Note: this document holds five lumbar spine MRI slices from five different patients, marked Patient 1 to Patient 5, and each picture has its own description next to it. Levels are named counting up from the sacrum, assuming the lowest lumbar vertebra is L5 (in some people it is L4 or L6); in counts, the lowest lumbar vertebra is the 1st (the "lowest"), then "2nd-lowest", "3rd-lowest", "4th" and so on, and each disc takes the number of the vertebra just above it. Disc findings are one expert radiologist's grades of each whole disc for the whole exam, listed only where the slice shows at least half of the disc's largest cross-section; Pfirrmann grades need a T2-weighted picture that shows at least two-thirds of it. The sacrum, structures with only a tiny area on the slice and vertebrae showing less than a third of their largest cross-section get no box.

Patient 1 of 5:
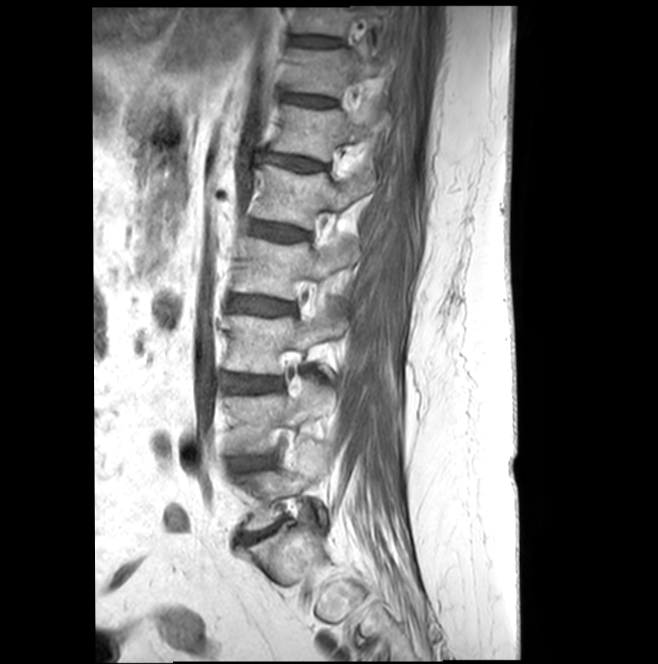 Sagittal T1-weighted lumbar spine MRI
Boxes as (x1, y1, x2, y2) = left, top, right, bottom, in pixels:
• intervertebral disc L2/L3: (229, 296, 292, 314)
• L4/L5: (232, 456, 272, 470)
• L4 vertebra: (224, 376, 333, 454)
• intervertebral disc T12/L1: (262, 152, 323, 171)
• L2 vertebra: (233, 236, 359, 299)
• intervertebral disc T11/T12: (286, 95, 331, 106)
• L3: (225, 300, 345, 374)
• T10: (292, 6, 383, 48)
• L5 vertebra: (235, 459, 325, 530)
• intervertebral disc T10/T11: (291, 37, 338, 47)
• L1 vertebra: (254, 165, 376, 229)
• T11 vertebra: (288, 49, 377, 96)
• intervertebral disc L3/L4: (224, 375, 279, 391)
• intervertebral disc L1/L2: (251, 221, 307, 240)
• T12 vertebra: (272, 106, 386, 161)

Per-level radiological findings:
  L3/L4: Modic type II
  T12/L1: disc bulging
  T10/T11, T11/T12, L1/L2, L2/L3: no Modic or endplate change, herniation, narrowing, bulging or spondylolisthesis recorded

Patient 2 of 5:
MRI lumbar spine (T2-weighted), sagittal plane. Scanner: Philips Healthcare Ingenia (3T).

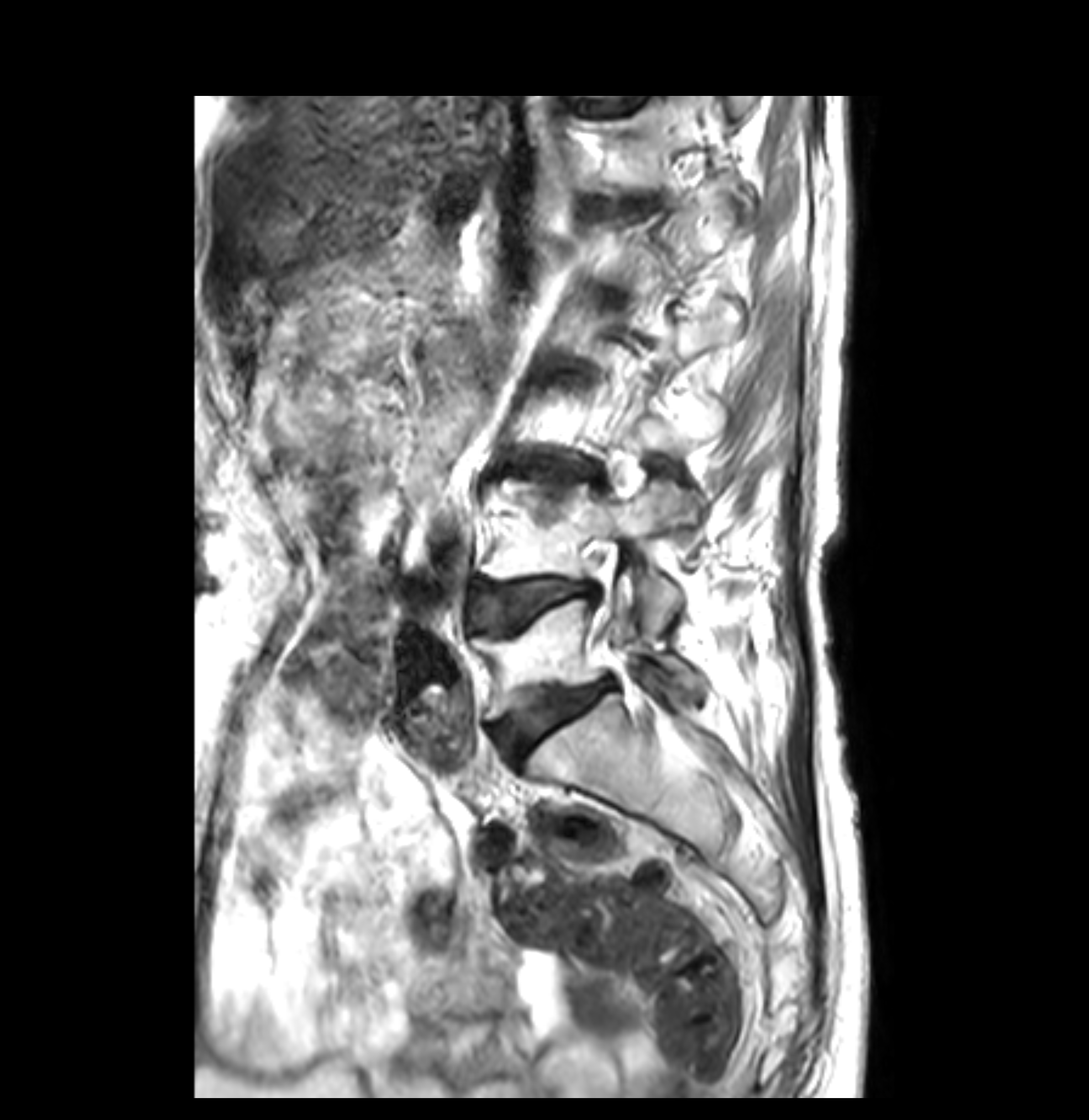
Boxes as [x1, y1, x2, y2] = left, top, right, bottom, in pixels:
Annotations:
- intervertebral disc L3/L4: [499, 468, 600, 502]
- L5 vertebra: [479, 576, 702, 719]
- L4 vertebra: [481, 481, 697, 634]
- intervertebral disc L4/L5: [474, 578, 585, 629]
- intervertebral disc L5/S1: [496, 681, 610, 757]
- T12 vertebra: [610, 97, 721, 188]

Expert MSK radiologist gradings (per disc):
- L4/L5: Pfirrmann grade 4, lower-endplate change, Modic type II, upper-endplate change, disc bulging
- L5/S1: lower-endplate change, upper-endplate change, disc bulging, Modic type II

Patient 3 of 5:
Image 512x512; Sagittal T1-weighted lumbar spine MRI; Patient sex: M; Sagittal slice index 2
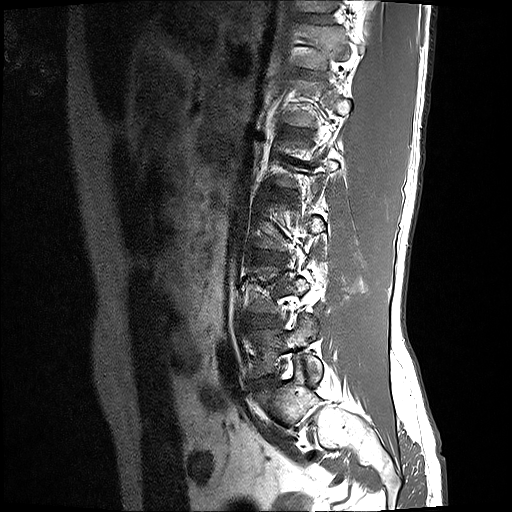
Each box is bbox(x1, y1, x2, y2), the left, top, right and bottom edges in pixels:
Segmented structures:
• IVD L3/L4 (3rd-lowest disc) — bbox(256, 251, 280, 260)
• T11/T12 (7th disc) — bbox(304, 14, 329, 23)
• T12/L1 (6th disc) — bbox(300, 70, 313, 75)
• IVD L1/L2 (5th disc) — bbox(285, 127, 306, 134)
• IVD L4/L5 (2nd-lowest disc) — bbox(246, 315, 277, 328)
• T11 (7th vertebra) — bbox(301, 0, 333, 11)
• L5 (lowest vertebra) — bbox(250, 316, 322, 382)
• IVD L5/S1 (lowest disc) — bbox(252, 377, 273, 390)

Patient 4 of 5:
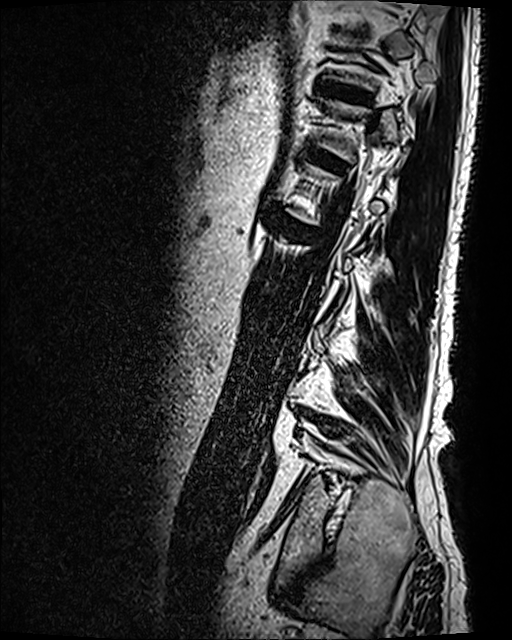

Sex M. T2 SPACE (3D) sagittal MRI of the lumbar spine.
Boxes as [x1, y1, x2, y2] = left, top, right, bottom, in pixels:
IVD T11/T12 (7th disc) at [317, 80, 367, 102], IVD L1/L2 (5th disc) at [280, 214, 311, 234], T12/L1 (6th disc) at [311, 149, 342, 168].

Radiological gradings:
- T11/T12 (7th disc): Pfirrmann grade 4, lower-endplate change, disc bulging, upper-endplate change

Patient 5 of 5:
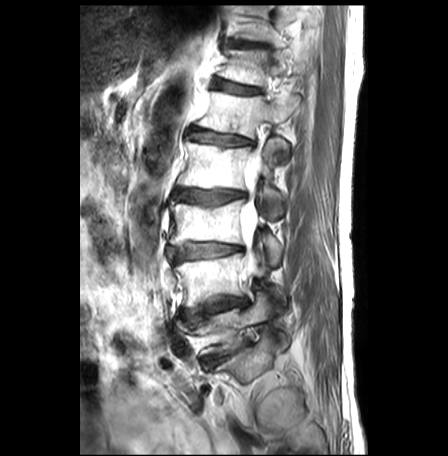 Lumbar spine MR, T2-weighted, sagittal
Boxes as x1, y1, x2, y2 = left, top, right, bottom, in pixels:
Annotations:
* L5 = 201, 293, 288, 353
* L4/L5 = 185, 297, 248, 323
* intervertebral disc L2/L3 = 174, 189, 245, 205
* L4 = 174, 242, 286, 307
* L1 vertebra = 197, 91, 300, 161
* intervertebral disc T11/T12 = 233, 41, 260, 47
* intervertebral disc L5/S1 = 203, 350, 236, 365
* L2 = 180, 139, 284, 218
* L3 vertebra = 170, 200, 281, 266
* thecal sac / spinal canal = 240, 152, 261, 277
* T12 = 220, 50, 307, 85
* L1/L2 = 192, 128, 251, 145
* T12/L1 = 214, 79, 260, 94
* intervertebral disc L3/L4 = 167, 241, 241, 262

Degenerative findings by level:
  L1/L2: Pfirrmann grade 3, upper-endplate change, Modic type II, lower-endplate change, disc bulging
  L2/L3: Pfirrmann grade 3, Modic type II, upper-endplate change, lower-endplate change, disc bulging, disc narrowing
  L4/L5: Pfirrmann grade 2, disc bulging, lower-endplate change, Modic type II, upper-endplate change
  L3/L4: Pfirrmann grade 3, lower-endplate change, upper-endplate change, Modic type II, disc bulging, disc narrowing
  T12/L1: lower-endplate change, upper-endplate change, Modic type II, disc bulging